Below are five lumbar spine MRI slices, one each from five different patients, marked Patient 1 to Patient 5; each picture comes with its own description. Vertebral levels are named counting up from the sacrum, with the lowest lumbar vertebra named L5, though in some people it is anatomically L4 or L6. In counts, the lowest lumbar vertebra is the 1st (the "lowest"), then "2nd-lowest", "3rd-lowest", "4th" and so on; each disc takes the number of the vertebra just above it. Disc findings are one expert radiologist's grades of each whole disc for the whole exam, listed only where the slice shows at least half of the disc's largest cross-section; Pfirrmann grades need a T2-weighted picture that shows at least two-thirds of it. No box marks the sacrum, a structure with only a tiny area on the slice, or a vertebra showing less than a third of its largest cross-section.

Patient 1 of 5:
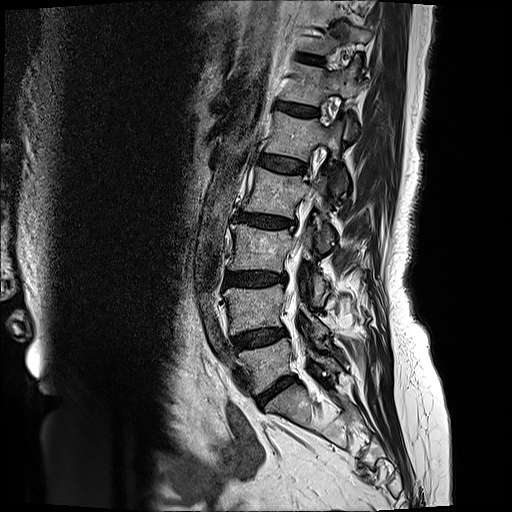 T2-weighted sagittal MRI of the lumbar spine | Slice 6 of 19 | 512x512 px
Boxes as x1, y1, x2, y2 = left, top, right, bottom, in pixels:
Intervertebral disc L1/L2: 256, 153, 307, 172.
Intervertebral disc T12/L1: 277, 102, 319, 115.
L3/L4: 224, 271, 287, 284.
L5: 239, 338, 341, 393.
L4: 223, 284, 327, 337.
Intervertebral disc L4/L5: 233, 327, 286, 350.
T12: 281, 56, 360, 133.
Thecal sac / spinal canal: 284, 174, 316, 313.
Intervertebral disc L5/S1: 257, 378, 294, 406.
Intervertebral disc T11/T12: 299, 53, 325, 64.
L2 vertebra: 243, 167, 334, 250.
L2/L3: 235, 212, 294, 227.
L3: 230, 224, 327, 301.
L1 vertebra: 266, 111, 346, 196.

Per-level radiological findings:
- L3/L4: Pfirrmann grade 4, disc bulging, lower-endplate change, disc narrowing, Modic type II, upper-endplate change
- L4/L5: Pfirrmann grade 3, disc bulging
- L2/L3: Pfirrmann grade 4, Modic type II, disc narrowing, upper-endplate change, disc bulging, lower-endplate change
- L5/S1: disc narrowing, disc bulging
- L1/L2: Pfirrmann grade 2
- T12/L1: disc bulging

Patient 2 of 5:
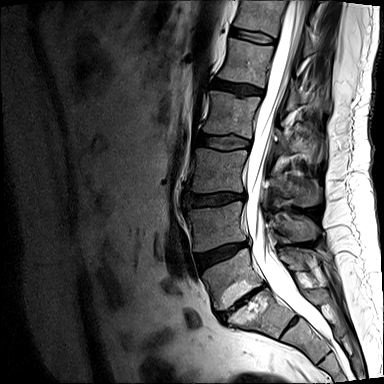
Sagittal slice index 6, Sagittal T2-weighted lumbar spine MRI, Sex M

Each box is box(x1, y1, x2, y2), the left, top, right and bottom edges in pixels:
5th vertebra: box(217, 38, 330, 111).
3rd-lowest vertebra: box(187, 148, 319, 207).
2nd-lowest vertebra: box(187, 202, 316, 251).
5th disc: box(212, 80, 263, 96).
2nd-lowest disc: box(197, 242, 246, 269).
4th disc: box(197, 134, 250, 149).
6th vertebra: box(234, 0, 314, 55).
Lowest disc: box(218, 286, 263, 318).
6th disc: box(230, 28, 275, 45).
Thecal sac / spinal canal: box(245, 0, 322, 331).
3rd-lowest disc: box(186, 193, 244, 207).
Lowest vertebra: box(201, 248, 311, 309).
4th vertebra: box(203, 91, 325, 162).

Expert MSK radiologist gradings (per disc):
- 4th disc: Pfirrmann grade 1
- 6th disc: Pfirrmann grade 2
- 2nd-lowest disc: Pfirrmann grade 4, disc narrowing, disc bulging, lower-endplate change
- 3rd-lowest disc: Pfirrmann grade 1, disc bulging
- lowest disc: Pfirrmann grade 5, upper-endplate change, disc narrowing, Modic type II, lower-endplate change, disc bulging
- 5th disc: Pfirrmann grade 4, upper-endplate change

Patient 3 of 5:
Slice spacing 0.9 mm, MRI lumbar spine (T2 SPACE (3D)), sagittal plane, Slice 38 of 120

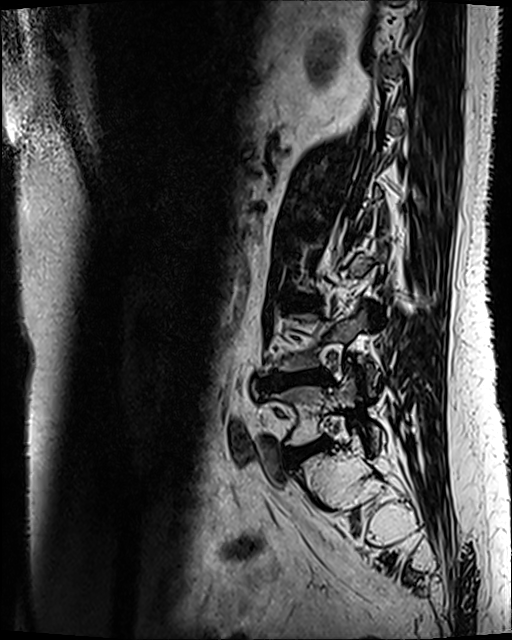

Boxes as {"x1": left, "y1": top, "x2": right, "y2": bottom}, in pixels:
- L5: {"x1": 275, "y1": 373, "x2": 383, "y2": 446}
- IVD L5/S1: {"x1": 285, "y1": 441, "x2": 330, "y2": 465}
- IVD L3/L4: {"x1": 289, "y1": 297, "x2": 315, "y2": 307}
- L4/L5: {"x1": 270, "y1": 371, "x2": 330, "y2": 388}

Radiological gradings:
- L4/L5: disc bulging, lower-endplate change, disc narrowing, Modic type II, upper-endplate change

Patient 4 of 5:
Sagittal slice index 80 | Patient sex: F | Lumbar spine MR, T2 SPACE (3D), sagittal 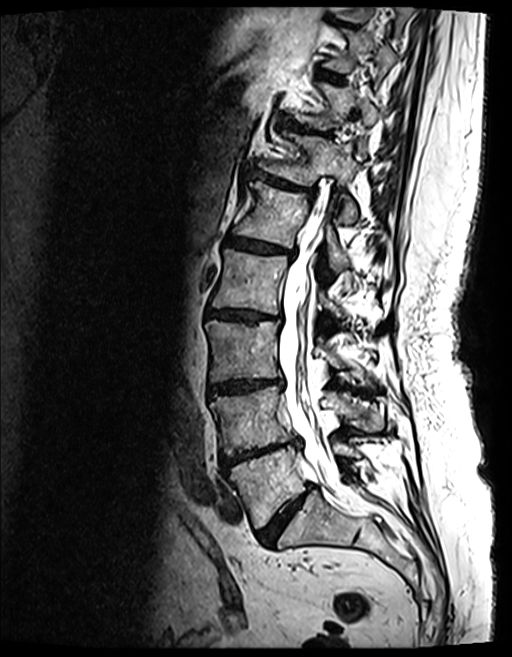

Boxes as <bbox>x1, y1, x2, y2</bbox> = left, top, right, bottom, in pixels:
disc T10/T11: <bbox>317, 69, 342, 82</bbox>
L5 vertebra: <bbox>229, 442, 360, 528</bbox>
L2/L3: <bbox>206, 308, 281, 323</bbox>
L4: <bbox>210, 387, 382, 456</bbox>
T11/T12: <bbox>281, 115, 330, 137</bbox>
disc T12/L1: <bbox>249, 170, 314, 197</bbox>
T11: <bbox>294, 83, 379, 131</bbox>
L2 vertebra: <bbox>212, 249, 342, 316</bbox>
disc L4/L5: <bbox>221, 439, 299, 470</bbox>
L3/L4: <bbox>209, 378, 282, 394</bbox>
L3: <bbox>205, 320, 343, 381</bbox>
L5/S1: <bbox>256, 484, 312, 545</bbox>
L1: <bbox>232, 181, 349, 271</bbox>
T10: <bbox>324, 28, 397, 74</bbox>
thecal sac / spinal canal: <bbox>279, 198, 341, 489</bbox>
T12: <bbox>259, 129, 360, 224</bbox>
L1/L2: <bbox>226, 237, 292, 257</bbox>

Degenerative findings by level:
• L5/S1: Pfirrmann grade 4, disc narrowing, disc bulging
• L4/L5: Pfirrmann grade 5, Modic type II, upper-endplate change, disc narrowing, lower-endplate change, disc bulging
• T12/L1: Pfirrmann grade 4, lower-endplate change, disc narrowing, Modic type II, disc bulging, upper-endplate change
• L2/L3: Pfirrmann grade 4, lower-endplate change, disc narrowing, disc bulging, Modic type II, upper-endplate change
• L3/L4: Pfirrmann grade 4, disc bulging, lower-endplate change, upper-endplate change, disc narrowing, Modic type II
• T11/T12: Pfirrmann grade 5, lower-endplate change, Modic type II, disc narrowing, upper-endplate change, disc bulging
• L1/L2: Pfirrmann grade 4, disc bulging, Modic type II, disc narrowing, upper-endplate change, lower-endplate change

Patient 5 of 5:
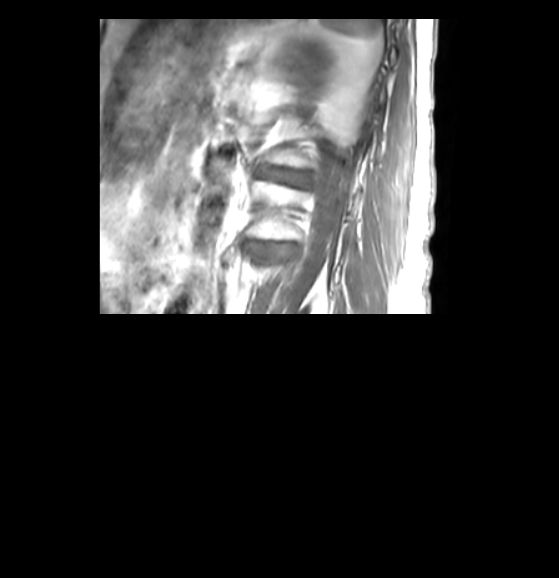
MRI lumbar spine (T1-weighted), sagittal plane; Field of view 280x289 mm
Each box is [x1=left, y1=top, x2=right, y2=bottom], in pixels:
L1/L2 (5th disc): [x1=260, y1=168, x2=309, y2=184].
L2 (4th vertebra): [x1=248, y1=181, x2=307, y2=239].
L2/L3 (4th disc): [x1=252, y1=242, x2=279, y2=253].

Radiological gradings:
  L1/L2 (5th disc): disc narrowing